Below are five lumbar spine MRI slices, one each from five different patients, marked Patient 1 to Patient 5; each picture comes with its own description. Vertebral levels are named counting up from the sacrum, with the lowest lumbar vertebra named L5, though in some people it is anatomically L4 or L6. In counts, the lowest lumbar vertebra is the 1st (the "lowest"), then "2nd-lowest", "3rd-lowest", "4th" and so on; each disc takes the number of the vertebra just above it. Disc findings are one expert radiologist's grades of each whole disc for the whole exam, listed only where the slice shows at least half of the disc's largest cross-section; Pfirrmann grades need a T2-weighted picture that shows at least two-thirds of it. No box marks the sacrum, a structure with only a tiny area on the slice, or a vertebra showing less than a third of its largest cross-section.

Patient 1 of 5:
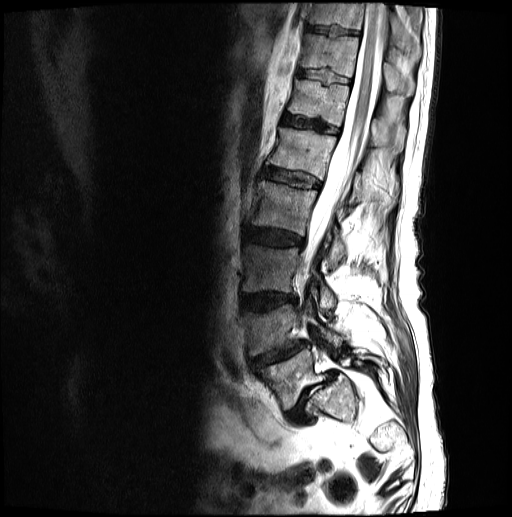
Image 512x517. T2-weighted sagittal MRI of the lumbar spine.

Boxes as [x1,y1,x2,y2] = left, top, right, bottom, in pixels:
T11/T12 (7th disc): [296,70,349,84].
T12 (6th vertebra): [288,81,404,154].
Intervertebral disc T10/T11 (8th disc): [303,24,358,36].
L5/S1 (lowest disc): [287,370,334,424].
T11 (7th vertebra): [300,34,413,96].
L3 (3rd-lowest vertebra): [242,243,335,308].
Intervertebral disc L2/L3 (4th disc): [245,229,302,246].
Intervertebral disc L3/L4 (3rd-lowest disc): [240,292,294,310].
Intervertebral disc T12/L1 (6th disc): [281,115,338,134].
T10 (8th vertebra): [304,3,420,59].
Intervertebral disc L4/L5 (2nd-lowest disc): [248,343,306,368].
L4 (2nd-lowest vertebra): [240,304,342,356].
L1/L2 (5th disc): [262,167,319,188].
L5 (lowest vertebra): [256,349,386,410].
Spinal canal: [300,3,385,287].
L1 (5th vertebra): [267,128,398,207].
L2 (4th vertebra): [251,181,345,269].

Degenerative findings by level:
  T11/T12 (7th disc): Pfirrmann grade 3
  L4/L5 (2nd-lowest disc): spondylolisthesis, disc narrowing, disc herniation, upper-endplate change, lower-endplate change
  L5/S1 (lowest disc): Pfirrmann grade 5, disc narrowing, spondylolisthesis, disc herniation, Modic type II
  T10/T11 (8th disc): Pfirrmann grade 3
  L2/L3 (4th disc): Pfirrmann grade 3, disc bulging
  L3/L4 (3rd-lowest disc): Pfirrmann grade 3, disc bulging, upper-endplate change, lower-endplate change
  T12/L1 (6th disc): Pfirrmann grade 3
  L1/L2 (5th disc): Pfirrmann grade 3

Patient 2 of 5:
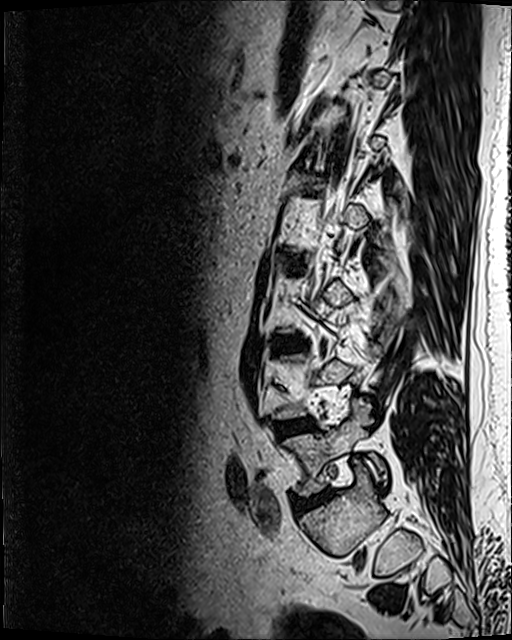
Patient sex: M, Sagittal T2 SPACE (3D) lumbar spine MRI, Slice 32/120

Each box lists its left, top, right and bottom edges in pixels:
L4/L5 at left=278, top=419, right=314, bottom=434 | L5 at left=285, top=398, right=383, bottom=495 | disc L3/L4 at left=279, top=338, right=300, bottom=344 | disc L5/S1 at left=296, top=491, right=331, bottom=510

Patient 3 of 5:
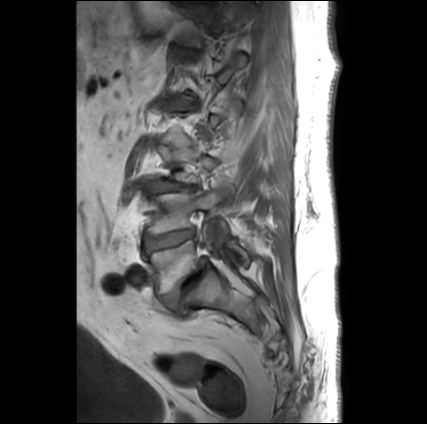

Patient sex: M; Sagittal T1-weighted lumbar spine MRI
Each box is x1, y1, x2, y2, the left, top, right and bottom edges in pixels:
* 6th disc: 174, 47, 197, 54
* 6th vertebra: 176, 1, 246, 46
* 3rd-lowest disc: 148, 184, 196, 191
* lowest disc: 161, 258, 206, 314
* lowest vertebra: 149, 224, 249, 294
* 2nd-lowest vertebra: 143, 188, 228, 235
* 2nd-lowest disc: 144, 230, 194, 253

Expert MSK radiologist gradings (per disc):
• lowest disc: disc bulging, disc narrowing, lower-endplate change, Modic type II, upper-endplate change, spondylolisthesis
• 2nd-lowest disc: Modic type II
• 3rd-lowest disc: disc bulging, upper-endplate change, disc narrowing, Modic type II, lower-endplate change

Patient 4 of 5:
Lumbar spine MR, T1-weighted, sagittal 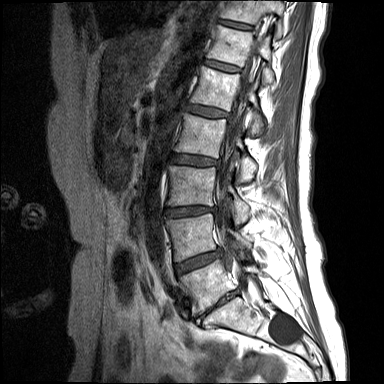
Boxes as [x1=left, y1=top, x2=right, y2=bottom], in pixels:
Structures:
* IVD L4/L5 (2nd-lowest disc): [x1=175, y1=249, x2=220, y2=275]
* IVD L5/S1 (lowest disc): [x1=202, y1=290, x2=238, y2=316]
* L3 (3rd-lowest vertebra): [x1=167, y1=166, x2=250, y2=223]
* T11 (7th vertebra): [x1=220, y1=0, x2=283, y2=37]
* L4 (2nd-lowest vertebra): [x1=166, y1=213, x2=250, y2=261]
* thecal sac / spinal canal: [x1=217, y1=41, x2=259, y2=284]
* L5 (lowest vertebra): [x1=180, y1=259, x2=259, y2=313]
* IVD L1/L2 (5th disc): [x1=186, y1=104, x2=227, y2=117]
* L3/L4 (3rd-lowest disc): [x1=165, y1=206, x2=215, y2=216]
* L2/L3 (4th disc): [x1=171, y1=155, x2=219, y2=166]
* T12 (6th vertebra): [x1=207, y1=25, x2=274, y2=83]
* T12/L1 (6th disc): [x1=204, y1=60, x2=239, y2=71]
* L1 (5th vertebra): [x1=190, y1=66, x2=264, y2=136]
* L2 (4th vertebra): [x1=174, y1=112, x2=256, y2=181]
* T11/T12 (7th disc): [x1=219, y1=20, x2=251, y2=30]

Per-level radiological findings:
• L5/S1 (lowest disc): Modic type II, lower-endplate change, upper-endplate change, disc narrowing, disc bulging
• L1/L2 (5th disc): Modic type II
• L3/L4 (3rd-lowest disc): Modic type II, disc narrowing, disc bulging
• L2/L3 (4th disc): disc bulging, upper-endplate change, Modic type II
• L4/L5 (2nd-lowest disc): disc bulging, Modic type II
• T12/L1 (6th disc), T11/T12 (7th disc): no herniation, bulging, narrowing, spondylolisthesis, endplate or Modic change recorded

Patient 5 of 5:
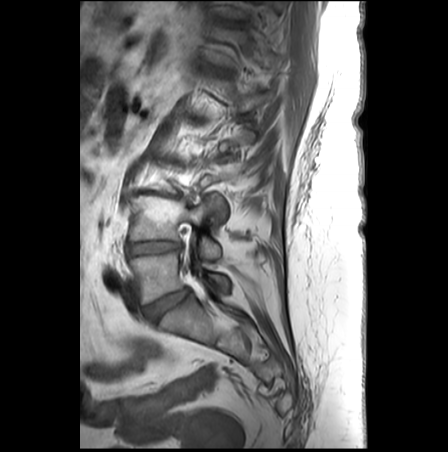
Slice 19 of 28 | Lumbar spine MR, T1-weighted, sagittal

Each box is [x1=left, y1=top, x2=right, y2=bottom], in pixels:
T11/T12 (7th disc) — [x1=220, y1=21, x2=245, y2=26] | IVD L5/S1 (lowest disc) — [x1=146, y1=288, x2=189, y2=324] | L4 (2nd-lowest vertebra) — [x1=129, y1=196, x2=223, y2=258] | L5 (lowest vertebra) — [x1=129, y1=252, x2=228, y2=304] | T12 (6th vertebra) — [x1=203, y1=27, x2=271, y2=67] | L4/L5 (2nd-lowest disc) — [x1=126, y1=242, x2=181, y2=255]

Expert MSK radiologist gradings (per disc):
• L4/L5 (2nd-lowest disc): disc bulging, Modic type II, lower-endplate change, upper-endplate change, disc narrowing
• L5/S1 (lowest disc): no herniation, bulging, narrowing, spondylolisthesis, endplate or Modic change recorded